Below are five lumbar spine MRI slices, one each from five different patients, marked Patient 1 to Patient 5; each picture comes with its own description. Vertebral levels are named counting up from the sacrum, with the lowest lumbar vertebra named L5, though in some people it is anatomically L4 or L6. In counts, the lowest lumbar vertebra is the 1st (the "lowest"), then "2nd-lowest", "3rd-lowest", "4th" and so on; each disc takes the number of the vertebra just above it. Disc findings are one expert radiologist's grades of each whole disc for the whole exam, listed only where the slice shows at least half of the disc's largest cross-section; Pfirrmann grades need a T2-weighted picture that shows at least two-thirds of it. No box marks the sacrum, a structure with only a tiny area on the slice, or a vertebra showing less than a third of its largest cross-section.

Patient 1 of 5:
Slice 7/21, Sex F, 676x672 px, Sagittal T1-weighted lumbar spine MRI, Slice spacing 4.4 mm

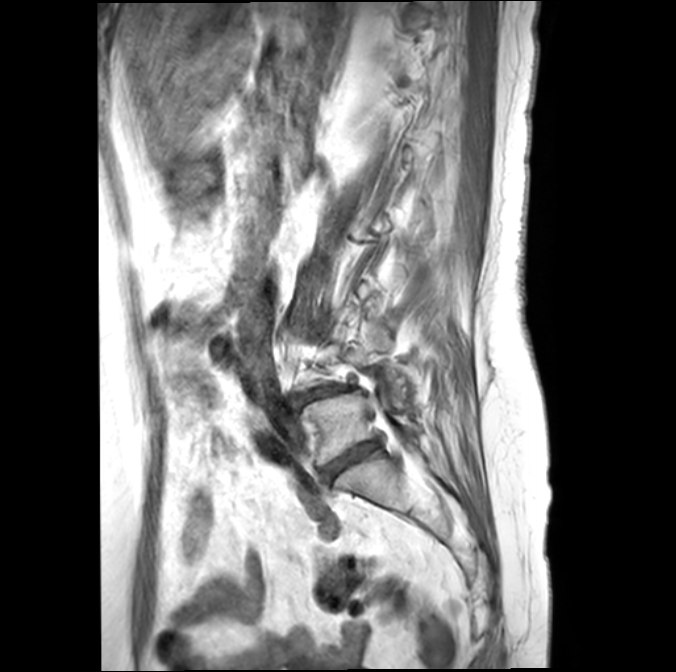 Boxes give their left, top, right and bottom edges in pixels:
L5: left=301, top=390, right=421, bottom=464.
Intervertebral disc L5/S1: left=321, top=441, right=377, bottom=479.
L4/L5: left=297, top=387, right=336, bottom=400.

Radiological gradings:
- L5/S1: Modic type II, disc bulging, lower-endplate change, disc narrowing

Patient 2 of 5:
Slice spacing 4.3 mm | Sagittal T2-weighted lumbar spine MRI | Image 619x611
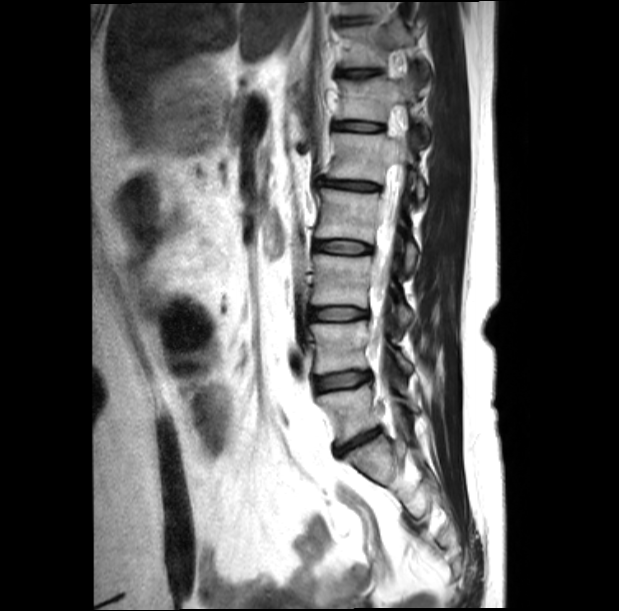 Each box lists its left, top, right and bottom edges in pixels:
{"L4 vertebra": "left=310, top=321, right=412, bottom=374", "L1 vertebra": "left=328, top=133, right=424, bottom=199", "T12 vertebra": "left=337, top=74, right=429, bottom=139", "disc L3/L4": "left=310, top=308, right=366, bottom=320", "T12/L1": "left=334, top=121, right=381, bottom=131", "L3": "left=313, top=254, right=412, bottom=327", "thecal sac / spinal canal": "left=374, top=131, right=404, bottom=347", "disc L5/S1": "left=336, top=429, right=378, bottom=453", "T11/T12": "left=342, top=69, right=378, bottom=77", "L2 vertebra": "left=316, top=188, right=416, bottom=270", "T11": "left=344, top=20, right=429, bottom=75", "L4/L5": "left=314, top=372, right=369, bottom=390", "L1/L2": "left=319, top=179, right=378, bottom=190", "disc L2/L3": "left=314, top=240, right=371, bottom=253", "L5": "left=318, top=385, right=419, bottom=443"}

Expert MSK radiologist gradings (per disc):
  L4/L5: Pfirrmann grade 2, disc bulging
  T11/T12: upper-endplate change
  T12/L1: Pfirrmann grade 2
  L2/L3: Pfirrmann grade 2
  L3/L4: Pfirrmann grade 2
  L1/L2: Pfirrmann grade 1, disc bulging, disc narrowing

Patient 3 of 5:
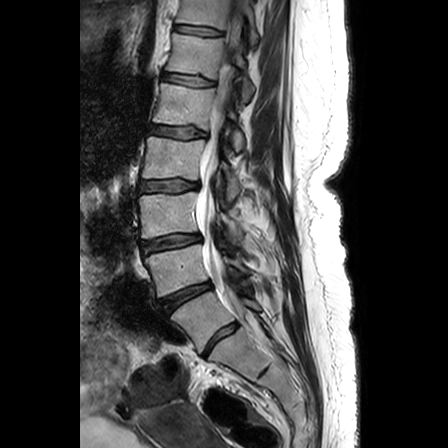 Field of view 280x280 mm, slice spacing 3.3 mm, Lumbar spine MR, T2-weighted, sagittal
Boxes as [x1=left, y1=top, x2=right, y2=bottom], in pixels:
2nd-lowest vertebra — [x1=145, y1=244, x2=252, y2=296] | 5th vertebra — [x1=153, y1=83, x2=244, y2=150] | 3rd-lowest vertebra — [x1=138, y1=192, x2=242, y2=238] | 3rd-lowest disc — [x1=141, y1=234, x2=200, y2=253] | lowest disc — [x1=204, y1=321, x2=238, y2=357] | spinal canal — [x1=196, y1=11, x2=247, y2=317] | 5th disc — [x1=150, y1=125, x2=205, y2=138] | lowest vertebra — [x1=171, y1=292, x2=260, y2=352] | 7th disc — [x1=174, y1=25, x2=223, y2=36] | 7th vertebra — [x1=176, y1=0, x2=258, y2=45] | 6th disc — [x1=163, y1=73, x2=214, y2=85] | 4th vertebra — [x1=142, y1=136, x2=241, y2=201] | 4th disc — [x1=139, y1=180, x2=198, y2=192] | 2nd-lowest disc — [x1=161, y1=283, x2=210, y2=313] | 6th vertebra — [x1=166, y1=32, x2=254, y2=102]

Radiological gradings:
  4th disc: Pfirrmann grade 3, disc bulging, upper-endplate change, lower-endplate change
  6th disc: Pfirrmann grade 2, lower-endplate change, upper-endplate change
  5th disc: Pfirrmann grade 3, upper-endplate change, disc bulging, lower-endplate change
  2nd-lowest disc: Pfirrmann grade 4, disc bulging, disc narrowing
  7th disc: Pfirrmann grade 2, upper-endplate change, lower-endplate change
  3rd-lowest disc: Pfirrmann grade 3, upper-endplate change, lower-endplate change, disc bulging
  lowest disc: Pfirrmann grade 3

Patient 4 of 5:
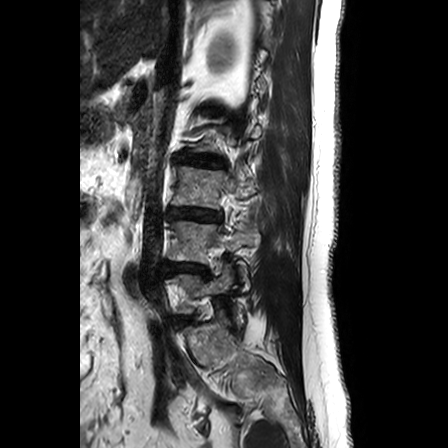 MRI lumbar spine (T2-weighted), sagittal plane.

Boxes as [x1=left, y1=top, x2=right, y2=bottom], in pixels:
L4/L5 (2nd-lowest disc): [x1=165, y1=262, x2=206, y2=274]
L5 (lowest vertebra): [x1=169, y1=264, x2=234, y2=312]
L4 (2nd-lowest vertebra): [x1=169, y1=221, x2=259, y2=281]
L3 (3rd-lowest vertebra): [x1=172, y1=166, x2=255, y2=208]
disc L3/L4 (3rd-lowest disc): [x1=170, y1=208, x2=220, y2=221]
L2/L3 (4th disc): [x1=177, y1=155, x2=222, y2=166]

Degenerative findings by level:
• L4/L5 (2nd-lowest disc): upper-endplate change, Modic type II, lower-endplate change, disc bulging
• L3/L4 (3rd-lowest disc): Pfirrmann grade 3, disc bulging, lower-endplate change, disc narrowing, Modic type II, upper-endplate change
• L2/L3 (4th disc): Pfirrmann grade 3, upper-endplate change, Modic type II, lower-endplate change, disc narrowing, disc bulging

Patient 5 of 5:
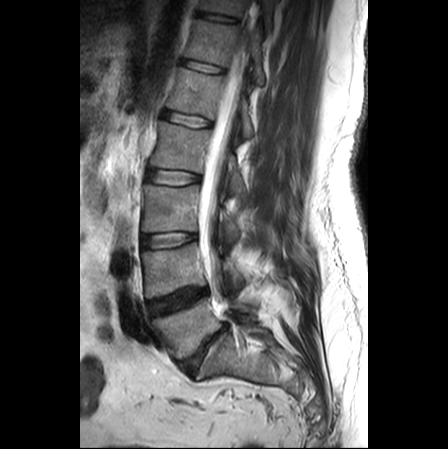 Field of view 280x281 mm, slice spacing 3.3 mm. MRI lumbar spine (T2-weighted), sagittal plane.

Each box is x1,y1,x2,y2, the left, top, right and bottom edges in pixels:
L3/L4 at 142,232,195,247; L2 vertebra at 150,121,243,191; L5/S1 at 178,326,225,373; T11/T12 at 198,13,236,22; L4/L5 at 148,288,207,314; T12 at 185,19,263,84; disc L1/L2 at 163,111,210,126; disc L2/L3 at 148,170,200,185; spinal canal at 199,44,246,288; L3 at 142,185,238,245; T11 at 200,0,271,28; L1 vertebra at 167,68,253,137; disc T12/L1 at 182,59,223,72; L4 at 142,243,243,297; L5 vertebra at 152,297,249,358.

Degenerative findings by level:
• L5/S1: Modic type II, disc bulging, disc narrowing
• T12/L1: Pfirrmann grade 1
• L2/L3: Pfirrmann grade 1
• T11/T12: Pfirrmann grade 1
• L3/L4: Pfirrmann grade 1
• L1/L2: Pfirrmann grade 1
• L4/L5: Pfirrmann grade 4, disc bulging, Modic type II